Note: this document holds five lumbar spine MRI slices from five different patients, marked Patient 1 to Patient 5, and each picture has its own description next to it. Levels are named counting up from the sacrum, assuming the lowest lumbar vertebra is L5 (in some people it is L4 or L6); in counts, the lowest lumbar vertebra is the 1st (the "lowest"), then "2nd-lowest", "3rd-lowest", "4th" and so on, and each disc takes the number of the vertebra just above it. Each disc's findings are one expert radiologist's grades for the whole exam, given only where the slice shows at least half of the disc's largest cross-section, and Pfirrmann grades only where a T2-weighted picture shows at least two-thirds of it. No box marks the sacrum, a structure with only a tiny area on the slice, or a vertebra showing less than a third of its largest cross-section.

Patient 1 of 5:
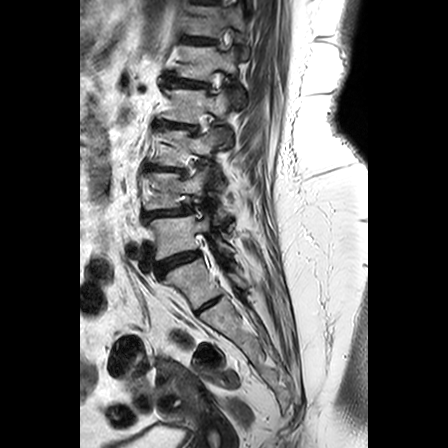
Field of view 280x280 mm, slice spacing 3.3 mm. Lumbar spine MR, T2-weighted, sagittal. Slice 17 of 24.

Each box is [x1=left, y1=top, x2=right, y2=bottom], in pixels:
L3: [x1=152, y1=128, x2=222, y2=188]
T12: [x1=185, y1=0, x2=249, y2=58]
disc L1/L2: [x1=166, y1=76, x2=207, y2=86]
disc L5/S1: [x1=155, y1=250, x2=199, y2=276]
L1: [x1=177, y1=45, x2=241, y2=101]
disc L4/L5: [x1=143, y1=206, x2=190, y2=219]
disc T12/L1: [x1=181, y1=34, x2=217, y2=44]
L4: [x1=144, y1=166, x2=222, y2=219]
L3/L4: [x1=146, y1=163, x2=184, y2=171]
L2/L3: [x1=156, y1=120, x2=198, y2=130]
L5: [x1=149, y1=213, x2=231, y2=259]
L2: [x1=162, y1=88, x2=231, y2=140]

Per-level radiological findings:
  L1/L2: Pfirrmann grade 3, Modic type II, lower-endplate change, disc bulging, disc narrowing, upper-endplate change
  L2/L3: disc bulging, lower-endplate change, upper-endplate change, disc narrowing, Modic type II
  L5/S1: Pfirrmann grade 4, disc bulging
  L4/L5: disc bulging, disc narrowing, spondylolisthesis
  T12/L1: Pfirrmann grade 3, Modic type II, upper-endplate change, lower-endplate change

Patient 2 of 5:
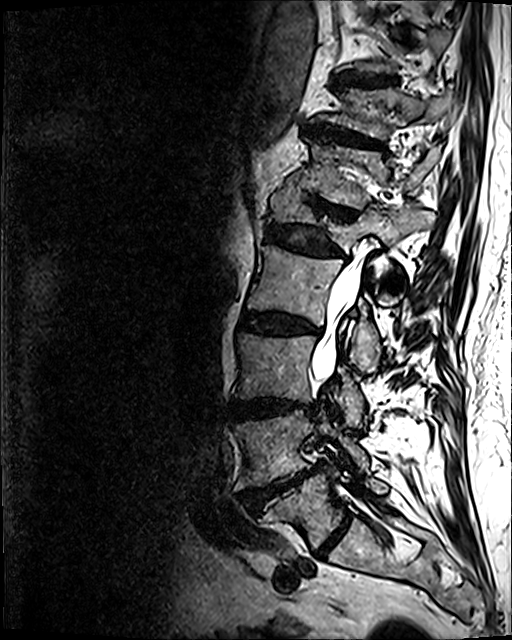 Sagittal T2 SPACE (3D) lumbar spine MRI; Slice 48 of 120

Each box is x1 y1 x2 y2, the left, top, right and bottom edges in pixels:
7th vertebra at 310 88 453 138, 2nd-lowest vertebra at 234 410 367 488, 5th disc at 266 224 343 256, thecal sac / spinal canal at 312 252 364 380, 4th disc at 241 312 320 334, 6th vertebra at 291 139 439 208, 6th disc at 309 200 356 220, lowest vertebra at 269 462 387 549, 8th disc at 334 73 395 86, 2nd-lowest disc at 244 467 316 512, 3rd-lowest disc at 232 399 315 420, lowest disc at 315 515 351 556, 3rd-lowest vertebra at 232 332 364 425, 4th vertebra at 247 244 381 371, 7th disc at 305 125 383 149, 5th vertebra at 268 182 435 304.

Radiological gradings:
  4th disc: Pfirrmann grade 4, Modic type II, lower-endplate change, disc bulging, upper-endplate change, disc narrowing
  7th disc: Pfirrmann grade 4, disc narrowing, upper-endplate change, lower-endplate change, disc bulging
  8th disc: Pfirrmann grade 4, disc bulging, upper-endplate change, lower-endplate change
  5th disc: Pfirrmann grade 4, disc narrowing, disc bulging, lower-endplate change, upper-endplate change
  2nd-lowest disc: Pfirrmann grade 5, upper-endplate change, disc herniation, lower-endplate change, Modic type II, disc narrowing, disc bulging
  3rd-lowest disc: Pfirrmann grade 4, lower-endplate change, disc bulging, upper-endplate change, disc narrowing

Patient 3 of 5:
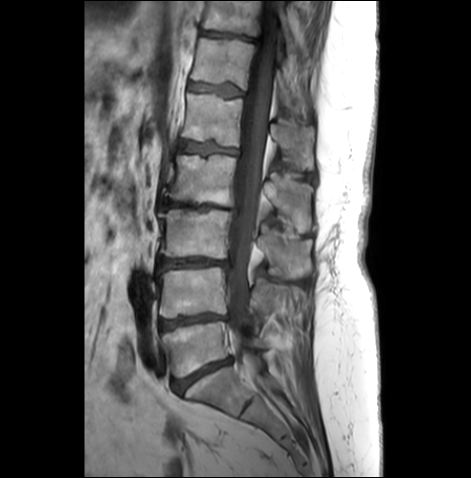
471x478 px, Patient sex: F, Slice 15 of 26, Sagittal T1-weighted lumbar spine MRI
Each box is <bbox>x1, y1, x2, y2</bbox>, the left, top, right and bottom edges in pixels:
lowest disc: <bbox>173, 358, 232, 392</bbox>
4th disc: <bbox>159, 199, 237, 213</bbox>
7th vertebra: <bbox>203, 1, 296, 50</bbox>
5th disc: <bbox>179, 140, 237, 153</bbox>
3rd-lowest disc: <bbox>159, 256, 230, 269</bbox>
spinal canal: <bbox>227, 1, 277, 373</bbox>
2nd-lowest vertebra: <bbox>159, 265, 288, 316</bbox>
3rd-lowest vertebra: <bbox>160, 208, 312, 277</bbox>
6th disc: <bbox>189, 82, 242, 96</bbox>
lowest vertebra: <bbox>162, 320, 267, 376</bbox>
5th vertebra: <bbox>182, 93, 315, 168</bbox>
2nd-lowest disc: <bbox>159, 312, 226, 330</bbox>
4th vertebra: <bbox>165, 154, 313, 231</bbox>
7th disc: <bbox>201, 30, 257, 41</bbox>
6th vertebra: <bbox>191, 37, 307, 104</bbox>

Degenerative findings by level:
  lowest disc: disc bulging, disc narrowing, Modic type II
  4th disc: Modic type II, lower-endplate change, disc bulging, disc narrowing, upper-endplate change
  2nd-lowest disc: disc narrowing, Modic type II, upper-endplate change, disc bulging, lower-endplate change
  3rd-lowest disc: disc narrowing, Modic type II, disc bulging
  7th disc: disc bulging, upper-endplate change, lower-endplate change
  6th disc: disc bulging, upper-endplate change, lower-endplate change
  5th disc: disc bulging, lower-endplate change, upper-endplate change, Modic type II

Patient 4 of 5:
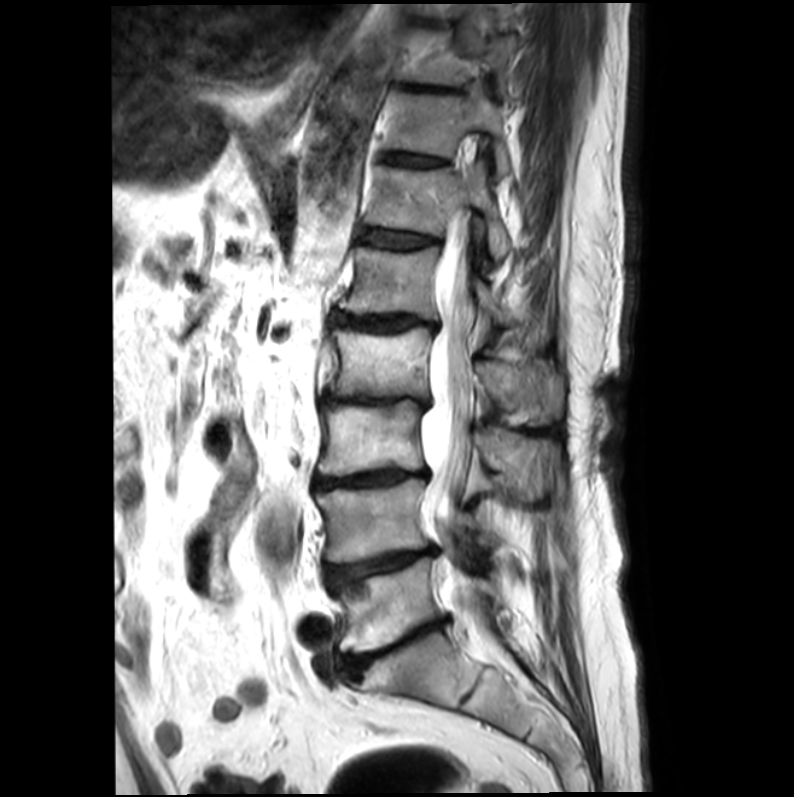

Slice 12/21; T2-weighted sagittal MRI of the lumbar spine
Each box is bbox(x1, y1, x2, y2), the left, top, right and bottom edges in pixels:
L1 vertebra at bbox(338, 247, 547, 336); L4/L5 at bbox(325, 546, 435, 590); T10/T11 at bbox(414, 86, 441, 90); L2 at bbox(327, 327, 561, 425); T11 at bbox(387, 94, 508, 174); L3 at bbox(319, 401, 548, 494); IVD L2/L3 at bbox(321, 393, 427, 408); T12/L1 at bbox(363, 229, 435, 248); L1/L2 at bbox(332, 313, 438, 330); thecal sac / spinal canal at bbox(419, 218, 472, 604); T12 at bbox(364, 162, 511, 259); L5 at bbox(337, 557, 501, 652); IVD T11/T12 at bbox(386, 153, 441, 166); L4 vertebra at bbox(316, 478, 497, 562); T10 at bbox(401, 31, 516, 92); L5/S1 at bbox(346, 622, 440, 674); IVD L3/L4 at bbox(314, 469, 424, 490).

Degenerative findings by level:
  L1/L2: Pfirrmann grade 4, upper-endplate change, lower-endplate change, disc bulging, disc narrowing, Modic type II
  L3/L4: Pfirrmann grade 5, lower-endplate change, disc bulging, Modic type II, disc narrowing, upper-endplate change
  L5/S1: Pfirrmann grade 5, Modic type II, lower-endplate change, disc bulging, upper-endplate change, disc narrowing
  T12/L1: Pfirrmann grade 3
  L4/L5: Pfirrmann grade 5, upper-endplate change, Modic type II, lower-endplate change, disc bulging, disc narrowing
  L2/L3: upper-endplate change, disc narrowing, lower-endplate change, Modic type II, disc bulging
  T11/T12: no Modic or endplate change, herniation, narrowing, bulging or spondylolisthesis recorded

Patient 5 of 5:
Sagittal T2 SPACE (3D) lumbar spine MRI | Scanner: SIEMENS Avanto_fit (1.5T)
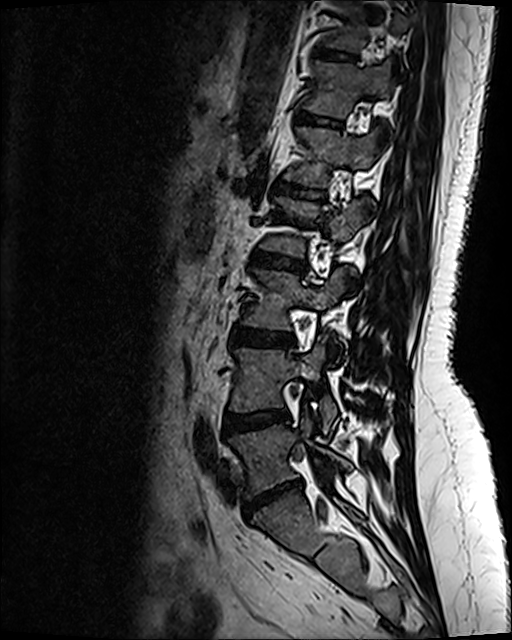
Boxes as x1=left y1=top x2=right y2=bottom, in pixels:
L5/S1 (lowest disc): x1=244 y1=483 x2=300 y2=517.
L2/L3 (4th disc): x1=252 y1=254 x2=304 y2=271.
IVD T12/L1 (6th disc): x1=297 y1=114 x2=341 y2=128.
L5 (lowest vertebra): x1=229 y1=418 x2=351 y2=497.
L4 (2nd-lowest vertebra): x1=230 y1=337 x2=336 y2=431.
T11/T12 (7th disc): x1=315 y1=50 x2=356 y2=64.
L2 (4th vertebra): x1=260 y1=198 x2=365 y2=257.
IVD L1/L2 (5th disc): x1=276 y1=181 x2=323 y2=199.
L3 (3rd-lowest vertebra): x1=242 y1=271 x2=344 y2=359.
IVD L3/L4 (3rd-lowest disc): x1=232 y1=330 x2=292 y2=347.
L1 (5th vertebra): x1=285 y1=128 x2=377 y2=186.
T12 (6th vertebra): x1=303 y1=62 x2=391 y2=118.
L4/L5 (2nd-lowest disc): x1=224 y1=412 x2=288 y2=433.

Radiological gradings:
  L4/L5 (2nd-lowest disc): disc bulging
  L1/L2 (5th disc): lower-endplate change, upper-endplate change
  L3/L4 (3rd-lowest disc): Pfirrmann grade 2, disc bulging
  L2/L3 (4th disc): upper-endplate change, disc bulging, lower-endplate change
  T12/L1 (6th disc): upper-endplate change, lower-endplate change
  T11/T12 (7th disc): no Modic or endplate change, herniation, narrowing, bulging or spondylolisthesis recorded